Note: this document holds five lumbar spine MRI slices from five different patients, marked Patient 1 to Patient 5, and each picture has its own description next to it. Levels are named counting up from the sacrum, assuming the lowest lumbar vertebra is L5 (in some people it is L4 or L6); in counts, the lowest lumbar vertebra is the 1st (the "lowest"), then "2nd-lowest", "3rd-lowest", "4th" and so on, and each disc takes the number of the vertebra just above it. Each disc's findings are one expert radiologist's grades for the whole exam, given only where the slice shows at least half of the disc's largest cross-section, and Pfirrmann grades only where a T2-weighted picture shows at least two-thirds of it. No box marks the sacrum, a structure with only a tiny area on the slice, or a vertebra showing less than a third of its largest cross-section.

Patient 1 of 5:
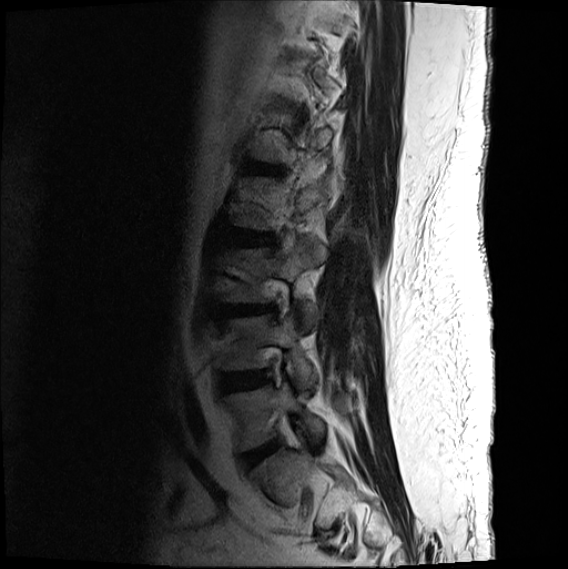 MRI lumbar spine (T2-weighted), sagittal plane
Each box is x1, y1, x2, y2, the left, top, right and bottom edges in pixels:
IVD L2/L3 — 232, 229, 272, 244.
IVD L4/L5 — 222, 370, 270, 391.
IVD L3/L4 — 225, 305, 273, 315.
L4 vertebra — 223, 310, 317, 388.
IVD L5/S1 — 243, 441, 279, 466.
L1/L2 — 248, 162, 274, 173.
L5 vertebra — 224, 380, 325, 451.

Expert MSK radiologist gradings (per disc):
  L4/L5: disc bulging, disc narrowing

Patient 2 of 5:
Scanner: SIEMENS Avanto_fit (1.5T) | 512x512 px | Sagittal T2-weighted lumbar spine MRI
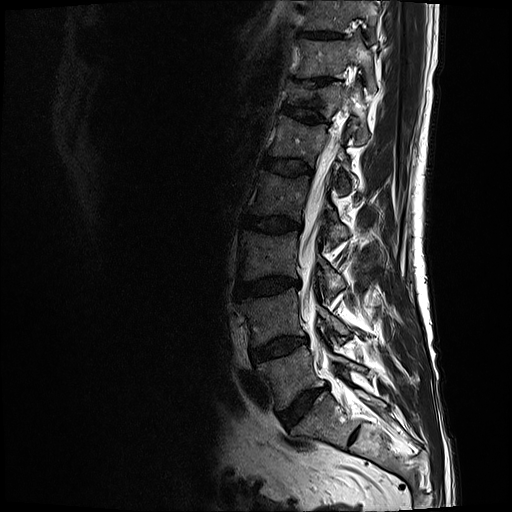

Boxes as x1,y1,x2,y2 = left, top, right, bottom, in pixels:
intervertebral disc T10/T11 = 302,31,341,37 | L4 vertebra = 238,287,348,346 | intervertebral disc L3/L4 = 236,276,299,298 | intervertebral disc L4/L5 = 251,335,307,360 | intervertebral disc T11/T12 = 303,78,329,85 | T12 = 286,80,369,142 | T11 vertebra = 294,35,377,91 | spinal canal = 298,131,341,364 | intervertebral disc L1/L2 = 262,155,311,174 | L1 = 269,115,351,193 | L3 = 241,230,345,293 | T12/L1 = 282,103,324,121 | L2 = 252,169,349,241 | T10 = 305,0,378,41 | L5 = 257,345,361,408 | intervertebral disc L2/L3 = 244,215,301,231 | intervertebral disc L5/S1 = 278,388,321,426

Per-level radiological findings:
• L1/L2: Pfirrmann grade 3
• T12/L1: upper-endplate change, lower-endplate change
• L5/S1: Pfirrmann grade 4, disc narrowing, disc bulging
• L3/L4: Pfirrmann grade 4, Modic type II, disc narrowing, disc bulging
• L4/L5: Pfirrmann grade 3, disc bulging, Modic type II
• T11/T12: upper-endplate change, disc narrowing, lower-endplate change
• L2/L3: Pfirrmann grade 3, disc bulging, Modic type II
• T10/T11: no herniation, bulging, narrowing, spondylolisthesis, endplate or Modic change recorded

Patient 3 of 5:
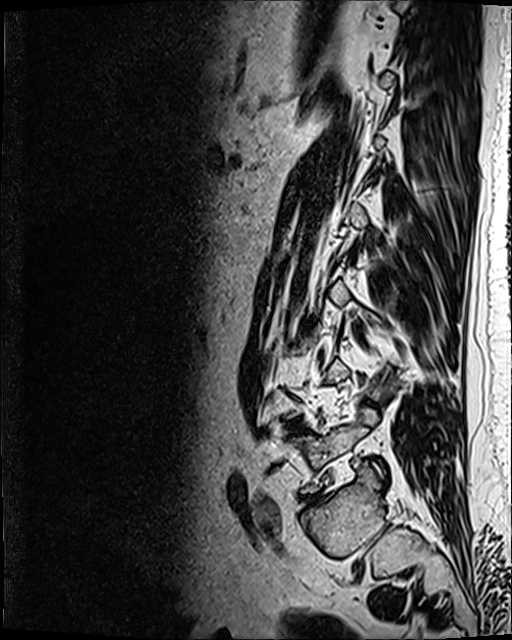 Sagittal T2 SPACE (3D) lumbar spine MRI; Slice spacing 0.9 mm
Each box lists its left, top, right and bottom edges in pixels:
IVD L5/S1 (lowest disc) at left=309, top=496, right=323, bottom=502; L5 (lowest vertebra) at left=293, top=408, right=377, bottom=493.

Patient 4 of 5:
Lumbar spine MR, T2-weighted, sagittal. Patient sex: F. 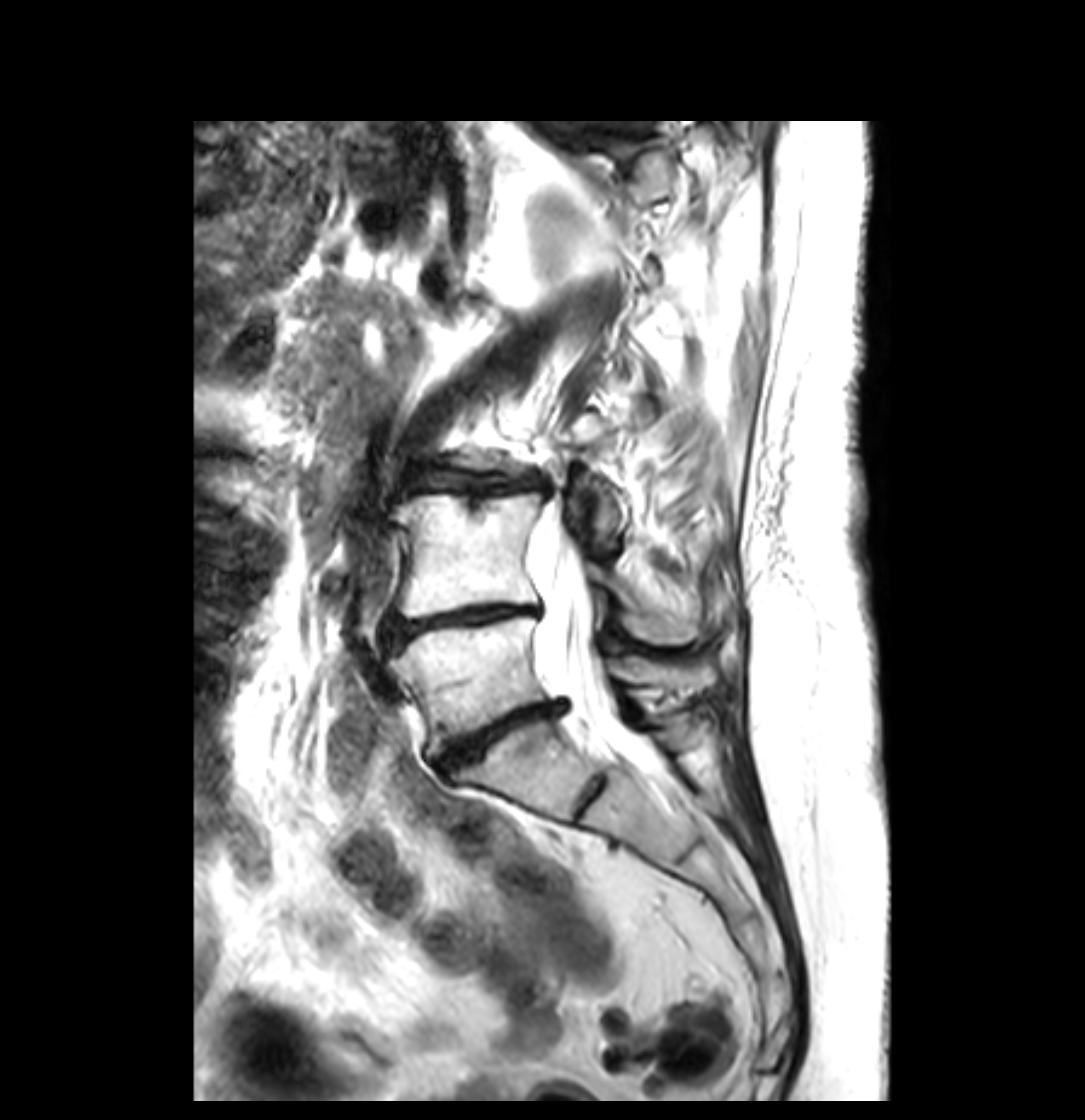 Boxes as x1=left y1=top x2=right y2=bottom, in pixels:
Annotations:
* L5 (lowest vertebra): x1=387 y1=614 x2=699 y2=757
* L4/L5 (2nd-lowest disc): x1=387 y1=605 x2=542 y2=640
* L4 (2nd-lowest vertebra): x1=395 y1=492 x2=692 y2=644
* intervertebral disc L5/S1 (lowest disc): x1=438 y1=699 x2=567 y2=772
* spinal canal: x1=535 y1=530 x2=646 y2=761
* L3/L4 (3rd-lowest disc): x1=438 y1=474 x2=532 y2=492

Radiological gradings:
• L5/S1 (lowest disc): Pfirrmann grade 5, Modic type II, disc narrowing, disc herniation, lower-endplate change, disc bulging, upper-endplate change
• L4/L5 (2nd-lowest disc): Modic type II, disc narrowing, lower-endplate change, disc bulging, upper-endplate change

Patient 5 of 5:
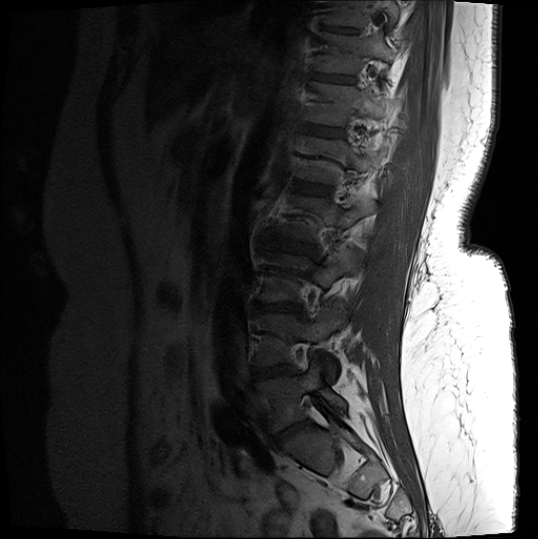 Sagittal T1-weighted lumbar spine MRI.

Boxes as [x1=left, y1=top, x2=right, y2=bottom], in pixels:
T12 at [x1=305, y1=83, x2=385, y2=126] | T11 at [x1=317, y1=34, x2=397, y2=75] | L3 at [x1=261, y1=251, x2=363, y2=301] | T12/L1 at [x1=306, y1=125, x2=344, y2=137] | T11/T12 at [x1=313, y1=74, x2=356, y2=83] | L5 at [x1=257, y1=362, x2=346, y2=432] | intervertebral disc L5/S1 at [x1=276, y1=422, x2=310, y2=443] | T10 vertebra at [x1=325, y1=1, x2=400, y2=27] | L1 at [x1=297, y1=136, x2=378, y2=183] | intervertebral disc T10/T11 at [x1=324, y1=26, x2=359, y2=33] | intervertebral disc L3/L4 at [x1=259, y1=303, x2=300, y2=311] | L2/L3 at [x1=272, y1=235, x2=317, y2=257] | L4/L5 at [x1=253, y1=366, x2=296, y2=378] | intervertebral disc L1/L2 at [x1=293, y1=181, x2=330, y2=195] | L4 vertebra at [x1=256, y1=307, x2=347, y2=376]

Degenerative findings by level:
- T11/T12: upper-endplate change
- L2/L3: lower-endplate change, upper-endplate change, disc bulging
- T12/L1: lower-endplate change, upper-endplate change